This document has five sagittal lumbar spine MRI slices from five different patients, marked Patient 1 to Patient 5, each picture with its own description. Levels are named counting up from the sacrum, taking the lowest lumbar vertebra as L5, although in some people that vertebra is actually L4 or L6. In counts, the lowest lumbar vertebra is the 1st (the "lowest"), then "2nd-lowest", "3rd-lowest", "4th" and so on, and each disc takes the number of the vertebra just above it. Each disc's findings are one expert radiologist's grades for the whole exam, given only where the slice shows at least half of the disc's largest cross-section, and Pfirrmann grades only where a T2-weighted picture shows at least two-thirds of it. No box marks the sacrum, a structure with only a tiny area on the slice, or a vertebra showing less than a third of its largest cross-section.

Patient 1 of 5:
MRI lumbar spine (T2 SPACE (3D)), sagittal plane; Image 512x640; Patient sex: M; Slice 85/120

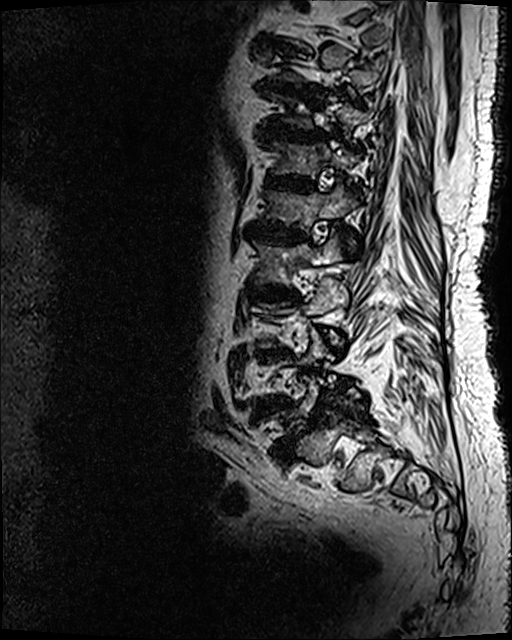

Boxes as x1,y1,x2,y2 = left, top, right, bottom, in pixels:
Intervertebral disc L4/L5: 250,396,295,420.
L1: 262,179,360,251.
Intervertebral disc T11/T12: 259,122,327,142.
T12: 265,140,360,177.
T10/T11: 258,77,308,97.
L2: 252,227,344,285.
T12/L1: 264,174,316,193.
L5: 288,374,363,417.
L3/L4: 258,347,288,360.
L5/S1: 274,439,294,464.
L1/L2: 243,222,311,244.
L2/L3: 245,284,299,301.
L3 vertebra: 262,277,349,356.

Expert MSK radiologist gradings (per disc):
- T12/L1: Pfirrmann grade 5, lower-endplate change, disc narrowing, upper-endplate change, Modic type II, disc bulging
- T10/T11: disc narrowing, disc bulging, upper-endplate change, lower-endplate change, Modic type II
- T11/T12: Pfirrmann grade 5, Modic type II, disc bulging, disc narrowing, lower-endplate change, upper-endplate change
- L1/L2: Pfirrmann grade 5, lower-endplate change, disc narrowing, disc bulging, Modic type II, upper-endplate change
- L2/L3: disc bulging, lower-endplate change, Modic type II, disc narrowing, upper-endplate change

Patient 2 of 5:
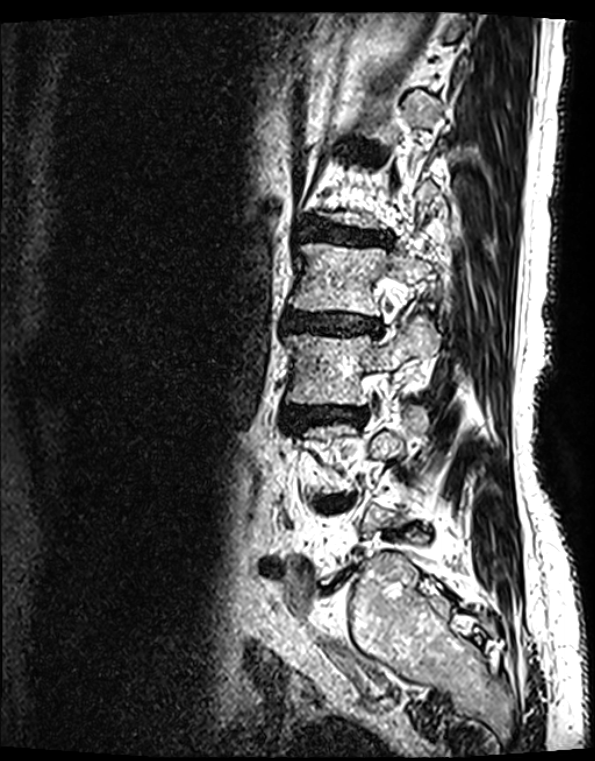
Image 595x761. Field of view 240x307 mm. Lumbar spine MR, T2 SPACE (3D), sagittal.

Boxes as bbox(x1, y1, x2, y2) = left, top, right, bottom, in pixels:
4th vertebra: bbox(289, 243, 438, 315)
5th disc: bbox(301, 228, 379, 244)
4th disc: bbox(284, 314, 378, 335)
3rd-lowest disc: bbox(285, 407, 365, 430)
3rd-lowest vertebra: bbox(285, 316, 440, 405)
2nd-lowest disc: bbox(323, 495, 348, 509)

Degenerative findings by level:
• 5th disc: Pfirrmann grade 4, lower-endplate change, disc narrowing, Modic type II, disc bulging, upper-endplate change
• 3rd-lowest disc: Pfirrmann grade 4, disc narrowing, Modic type II, disc bulging, upper-endplate change, lower-endplate change
• 4th disc: Pfirrmann grade 4, lower-endplate change, Modic type II, disc narrowing, upper-endplate change, disc bulging

Patient 3 of 5:
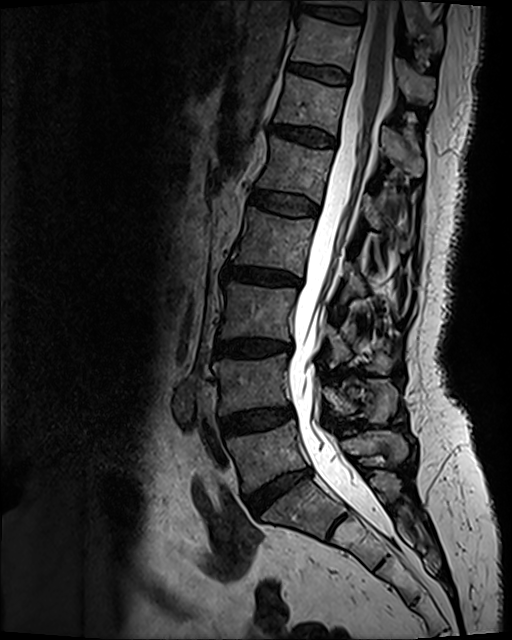 Slice 63 of 120. Lumbar spine MR, T2 SPACE (3D), sagittal.

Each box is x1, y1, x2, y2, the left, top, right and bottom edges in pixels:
• disc L1/L2 (5th disc): 250, 190, 317, 215
• T12/L1 (6th disc): 270, 124, 335, 146
• L4/L5 (2nd-lowest disc): 222, 407, 291, 434
• L3/L4 (3rd-lowest disc): 214, 339, 290, 355
• T11/T12 (7th disc): 290, 64, 348, 83
• L1 (5th vertebra): 258, 136, 408, 251
• spinal canal: 288, 1, 394, 536
• T10/T11 (8th disc): 295, 5, 360, 22
• L4 (2nd-lowest vertebra): 213, 353, 397, 423
• T11 (7th vertebra): 291, 16, 434, 103
• T12 (6th vertebra): 274, 73, 423, 177
• L3 (3rd-lowest vertebra): 220, 281, 393, 374
• L2 (4th vertebra): 231, 208, 396, 310
• L5 (lowest vertebra): 226, 421, 408, 492
• L2/L3 (4th disc): 222, 262, 300, 284
• disc L5/S1 (lowest disc): 247, 470, 310, 515
• T10 (8th vertebra): 303, 0, 443, 48

Radiological gradings:
  T12/L1 (6th disc): Pfirrmann grade 3, disc bulging
  T10/T11 (8th disc): Pfirrmann grade 2
  L4/L5 (2nd-lowest disc): Pfirrmann grade 3, disc bulging
  T11/T12 (7th disc): Pfirrmann grade 2
  L3/L4 (3rd-lowest disc): Pfirrmann grade 4, lower-endplate change, disc narrowing, disc bulging, upper-endplate change, Modic type II
  L5/S1 (lowest disc): Pfirrmann grade 4, disc bulging, disc narrowing
  L2/L3 (4th disc): Pfirrmann grade 4, disc narrowing, Modic type II, upper-endplate change, disc bulging, lower-endplate change
  L1/L2 (5th disc): Pfirrmann grade 2

Patient 4 of 5:
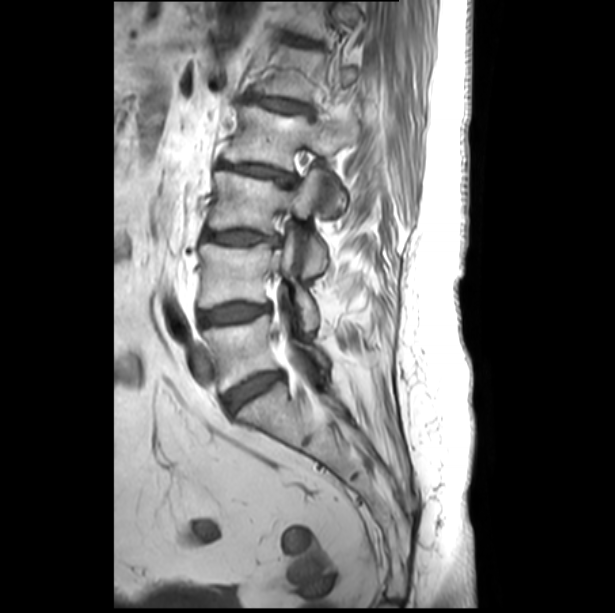 Lumbar spine MR, T1-weighted, sagittal

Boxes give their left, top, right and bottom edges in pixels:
Annotations:
* L4/L5 = left=199, top=302, right=269, bottom=325
* L1 = left=256, top=45, right=361, bottom=101
* L4 vertebra = left=198, top=231, right=318, bottom=330
* L3 vertebra = left=208, top=169, right=326, bottom=275
* disc L5/S1 = left=224, top=371, right=282, bottom=412
* L2 = left=224, top=104, right=359, bottom=208
* L5 vertebra = left=203, top=314, right=331, bottom=392
* L2/L3 = left=218, top=160, right=296, bottom=184
* L3/L4 = left=204, top=231, right=279, bottom=245
* L1/L2 = left=250, top=95, right=310, bottom=113

Degenerative findings by level:
  L2/L3: disc bulging, Modic type II, disc narrowing, lower-endplate change, upper-endplate change
  L4/L5: disc bulging
  L5/S1: disc bulging
  L3/L4: disc narrowing, lower-endplate change, upper-endplate change, disc bulging, Modic type II
  L1/L2: disc bulging, lower-endplate change, Modic type II, upper-endplate change

Patient 5 of 5:
MRI lumbar spine (T1-weighted), sagittal plane; Sex F

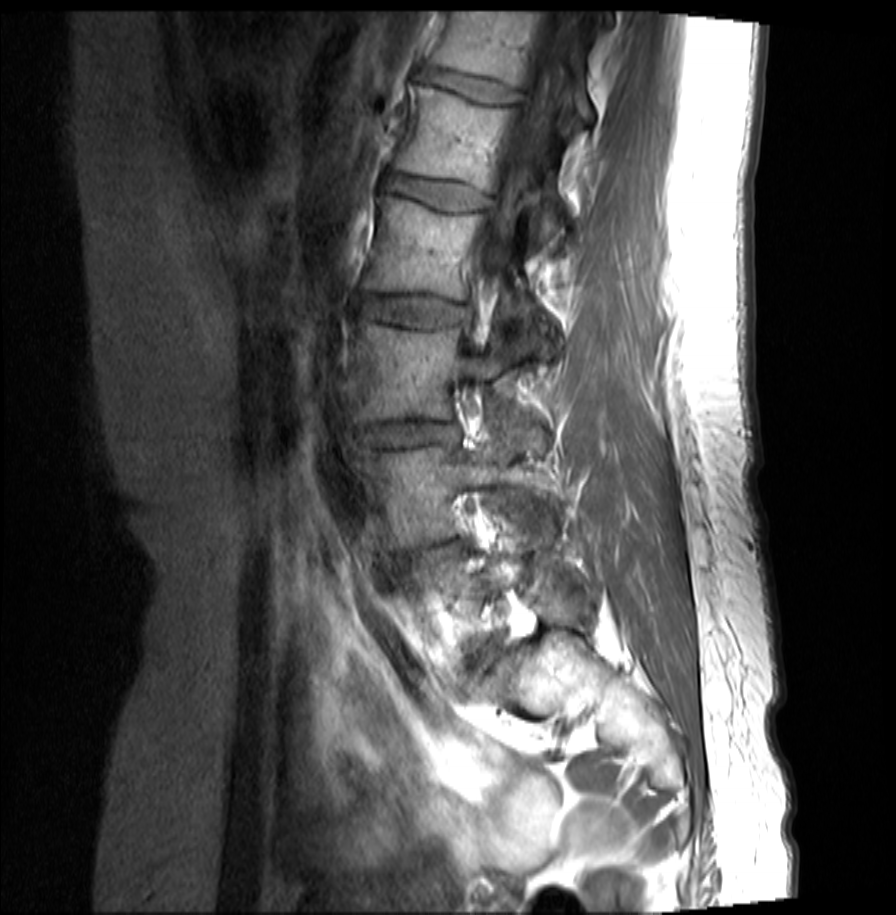 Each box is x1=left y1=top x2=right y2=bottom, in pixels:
2nd-lowest vertebra at x1=353 y1=425 x2=545 y2=547, 4th vertebra at x1=365 y1=195 x2=546 y2=352, 4th disc at x1=363 y1=295 x2=468 y2=324, 3rd-lowest disc at x1=360 y1=425 x2=454 y2=447, 6th disc at x1=420 y1=70 x2=518 y2=105, 2nd-lowest disc at x1=430 y1=548 x2=454 y2=558, 3rd-lowest vertebra at x1=353 y1=320 x2=506 y2=419, 5th disc at x1=386 y1=175 x2=485 y2=210, 5th vertebra at x1=395 y1=83 x2=564 y2=241, 6th vertebra at x1=430 y1=11 x2=593 y2=121, thecal sac / spinal canal at x1=482 y1=14 x2=579 y2=291.

Per-level radiological findings:
• 3rd-lowest disc: disc bulging
• 4th disc, 5th disc, 6th disc: no Modic or endplate change, herniation, narrowing, bulging or spondylolisthesis recorded